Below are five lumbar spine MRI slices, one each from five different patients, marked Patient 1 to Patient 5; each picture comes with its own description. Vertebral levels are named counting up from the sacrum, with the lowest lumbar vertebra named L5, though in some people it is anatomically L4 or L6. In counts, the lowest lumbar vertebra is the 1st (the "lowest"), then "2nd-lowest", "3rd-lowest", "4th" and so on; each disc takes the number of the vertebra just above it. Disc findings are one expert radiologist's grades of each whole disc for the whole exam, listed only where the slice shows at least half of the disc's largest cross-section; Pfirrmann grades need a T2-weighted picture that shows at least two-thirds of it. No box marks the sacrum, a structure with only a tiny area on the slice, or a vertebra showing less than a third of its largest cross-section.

Patient 1 of 5:
T2-weighted sagittal MRI of the lumbar spine | Field of view 280x282 mm, slice spacing 3.3 mm | Sex F

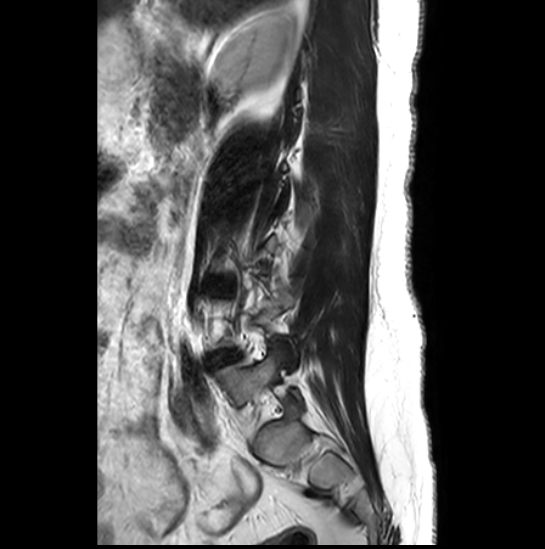

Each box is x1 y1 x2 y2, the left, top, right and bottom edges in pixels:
L4/L5 = 213 350 233 364 | L5 = 215 347 303 406

Patient 2 of 5:
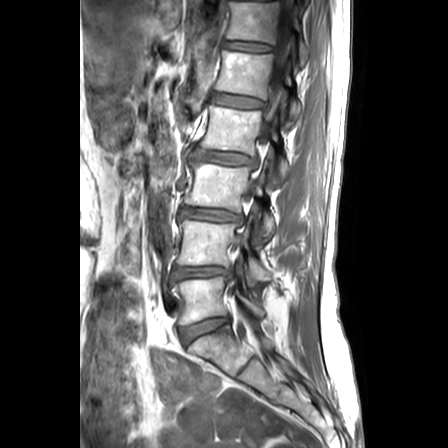

T1-weighted sagittal MRI of the lumbar spine; 448x448 px; Slice 16 of 24

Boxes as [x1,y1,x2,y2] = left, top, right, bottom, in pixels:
Structures:
- L3 = [185,161,274,240]
- L2/L3 = [192,149,254,164]
- L4 = [177,215,271,287]
- L1 = [215,50,302,124]
- L1/L2 = [213,93,263,108]
- L5/S1 = [181,316,229,344]
- intervertebral disc L4/L5 = [174,267,231,279]
- L3/L4 = [181,207,240,222]
- L5 = [174,270,265,324]
- T12 = [227,2,308,65]
- intervertebral disc T12/L1 = [226,42,271,51]
- L2 vertebra = [200,105,288,185]
- thecal sac / spinal canal = [271,23,289,95]

Degenerative findings by level:
- T12/L1: Modic type II
- L4/L5: upper-endplate change, lower-endplate change, disc narrowing, disc herniation
- L2/L3: Modic type II, disc bulging, upper-endplate change, lower-endplate change
- L3/L4: lower-endplate change, upper-endplate change, disc bulging
- L1/L2: upper-endplate change, Modic type II, lower-endplate change
- L5/S1: no spondylolisthesis, narrowing, bulging, herniation, Modic or endplate change recorded

Patient 3 of 5:
Sagittal T2-weighted lumbar spine MRI. Slice 13 of 17.
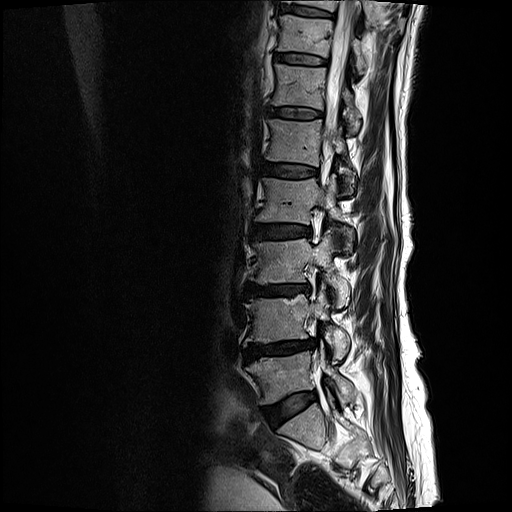
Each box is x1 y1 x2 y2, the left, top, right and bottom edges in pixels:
3rd-lowest vertebra at 253 230 349 306.
4th vertebra at 255 174 354 248.
8th disc at 282 6 333 17.
3rd-lowest disc at 246 283 309 296.
8th vertebra at 288 0 378 22.
5th disc at 261 162 317 177.
2nd-lowest disc at 245 339 316 360.
6th vertebra at 270 63 360 132.
7th vertebra at 277 14 366 73.
4th disc at 250 222 310 239.
2nd-lowest vertebra at 243 288 350 359.
Lowest vertebra at 247 347 354 404.
Thecal sac / spinal canal at 322 0 358 157.
Lowest disc at 269 391 316 422.
5th vertebra at 266 118 355 192.
7th disc at 275 54 326 64.
6th disc at 270 107 321 118.

Expert MSK radiologist gradings (per disc):
- lowest disc: Pfirrmann grade 2, disc bulging
- 7th disc: Pfirrmann grade 2, Modic type II, upper-endplate change, lower-endplate change
- 2nd-lowest disc: Pfirrmann grade 4, Modic type II, lower-endplate change, upper-endplate change, disc bulging, disc narrowing
- 3rd-lowest disc: Pfirrmann grade 4, disc narrowing, upper-endplate change, disc bulging, Modic type II, lower-endplate change
- 8th disc: Pfirrmann grade 2, lower-endplate change, upper-endplate change
- 4th disc: Pfirrmann grade 3, lower-endplate change, disc bulging, Modic type II, upper-endplate change
- 6th disc: Pfirrmann grade 2, upper-endplate change, Modic type II, lower-endplate change
- 5th disc: Pfirrmann grade 3, Modic type II, lower-endplate change, upper-endplate change

Patient 4 of 5:
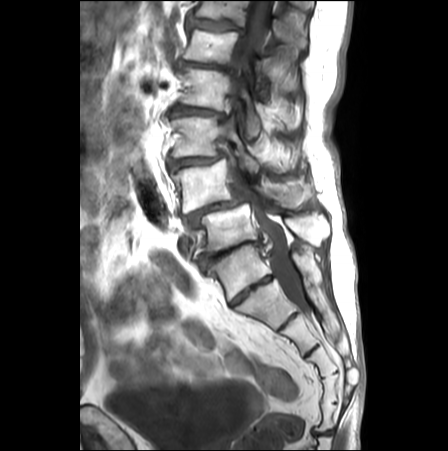
Lumbar spine MR, T1-weighted, sagittal | Field of view 280x282 mm, slice spacing 3.3 mm

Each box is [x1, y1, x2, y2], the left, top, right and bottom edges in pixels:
L4 (2nd-lowest vertebra) at [171, 158, 313, 213].
T12/L1 (6th disc) at [186, 13, 243, 33].
Intervertebral disc L4/L5 (2nd-lowest disc) at [184, 187, 248, 228].
L1 (5th vertebra) at [183, 29, 269, 98].
L3/L4 (3rd-lowest disc) at [168, 153, 223, 171].
L3 (3rd-lowest vertebra) at [171, 110, 295, 176].
Intervertebral disc L1/L2 (5th disc) at [178, 59, 234, 73].
Thecal sac / spinal canal at [232, 0, 304, 307].
L2 (4th vertebra) at [181, 66, 260, 139].
L5 (lowest vertebra) at [199, 203, 329, 252].
T12 (6th vertebra) at [194, 1, 307, 48].
L2/L3 (4th disc) at [171, 105, 225, 119].
L5/S1 (lowest disc) at [198, 236, 262, 268].

Per-level radiological findings:
  T12/L1 (6th disc): disc bulging, upper-endplate change, lower-endplate change
  L2/L3 (4th disc): lower-endplate change, disc narrowing, disc bulging, Modic type II, spondylolisthesis, upper-endplate change
  L5/S1 (lowest disc): disc narrowing, disc bulging, upper-endplate change, disc herniation, lower-endplate change, Modic type II
  L4/L5 (2nd-lowest disc): disc bulging, lower-endplate change, disc narrowing, disc herniation, Modic type II, upper-endplate change, spondylolisthesis
  L3/L4 (3rd-lowest disc): upper-endplate change, lower-endplate change, disc bulging, disc narrowing, spondylolisthesis, Modic type II
  L1/L2 (5th disc): disc narrowing, disc bulging, lower-endplate change

Patient 5 of 5:
Sagittal slice index 8, Patient sex: M, 503x501 px, Lumbar spine MR, T1-weighted, sagittal
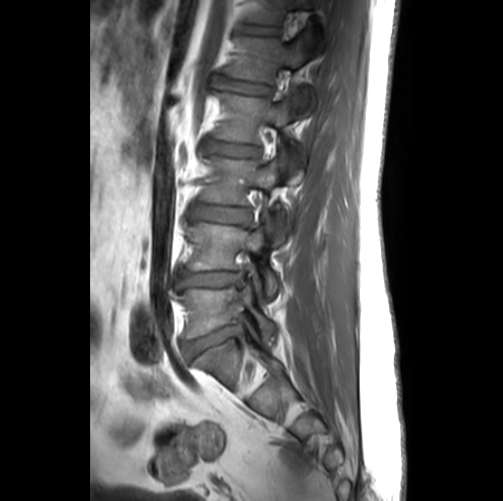 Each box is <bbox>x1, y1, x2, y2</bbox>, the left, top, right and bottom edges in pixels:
6th vertebra: <bbox>248, 0, 312, 23</bbox>
2nd-lowest vertebra: <bbox>188, 223, 280, 296</bbox>
5th vertebra: <bbox>225, 35, 314, 116</bbox>
lowest vertebra: <bbox>177, 270, 277, 337</bbox>
2nd-lowest disc: <bbox>177, 270, 243, 289</bbox>
4th disc: <bbox>206, 140, 259, 156</bbox>
4th vertebra: <bbox>214, 92, 303, 182</bbox>
5th disc: <bbox>219, 76, 271, 94</bbox>
3rd-lowest vertebra: <bbox>202, 157, 292, 246</bbox>
6th disc: <bbox>242, 24, 278, 34</bbox>
3rd-lowest disc: <bbox>191, 203, 251, 222</bbox>
lowest disc: <bbox>183, 326, 240, 360</bbox>

Radiological gradings:
  lowest disc: disc bulging, disc narrowing
  2nd-lowest disc: upper-endplate change, disc bulging, disc narrowing, Modic type II, lower-endplate change
  3rd-lowest disc, 4th disc, 6th disc, 5th disc: no herniation, bulging, narrowing, spondylolisthesis, endplate or Modic change recorded